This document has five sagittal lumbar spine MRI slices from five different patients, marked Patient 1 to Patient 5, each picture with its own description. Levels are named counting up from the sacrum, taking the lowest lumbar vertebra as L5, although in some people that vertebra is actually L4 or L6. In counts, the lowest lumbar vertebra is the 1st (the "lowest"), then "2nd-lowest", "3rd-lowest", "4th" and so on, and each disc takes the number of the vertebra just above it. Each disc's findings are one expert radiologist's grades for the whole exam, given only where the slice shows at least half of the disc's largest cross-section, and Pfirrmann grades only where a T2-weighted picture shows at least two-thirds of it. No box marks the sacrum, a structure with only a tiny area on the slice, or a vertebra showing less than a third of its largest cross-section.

Patient 1 of 5:
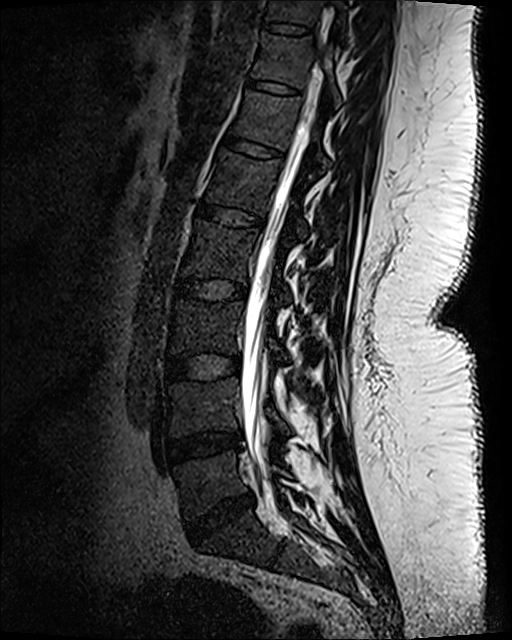

Sagittal slice index 50, Sagittal T2 SPACE (3D) lumbar spine MRI

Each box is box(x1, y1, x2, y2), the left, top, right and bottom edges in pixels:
Disc T10/T11: box(263, 22, 309, 36).
Disc L4/L5: box(166, 431, 241, 462).
L5: box(175, 452, 291, 519).
L2 vertebra: box(182, 220, 290, 301).
L4 vertebra: box(169, 379, 289, 436).
T10 vertebra: box(265, 0, 347, 33).
T11 vertebra: box(253, 34, 340, 107).
L1 vertebra: box(208, 149, 307, 236).
Disc L3/L4: box(166, 353, 240, 382).
Disc L1/L2: box(195, 201, 264, 228).
Disc T12/L1: box(223, 133, 283, 159).
Disc L5/S1: box(187, 495, 254, 539).
Spinal canal: box(241, 13, 331, 488).
L2/L3: box(175, 277, 247, 301).
T12 vertebra: box(231, 90, 330, 169).
Disc T11/T12: box(246, 78, 300, 95).
L3 vertebra: box(170, 301, 288, 360).

Degenerative findings by level:
- L1/L2: Pfirrmann grade 1
- T12/L1: Pfirrmann grade 1
- L4/L5: Pfirrmann grade 3, disc bulging, disc narrowing
- L2/L3: Pfirrmann grade 1
- L3/L4: Pfirrmann grade 1
- L5/S1: Pfirrmann grade 4, disc bulging, disc narrowing
- T10/T11: Pfirrmann grade 1
- T11/T12: Pfirrmann grade 1

Patient 2 of 5:
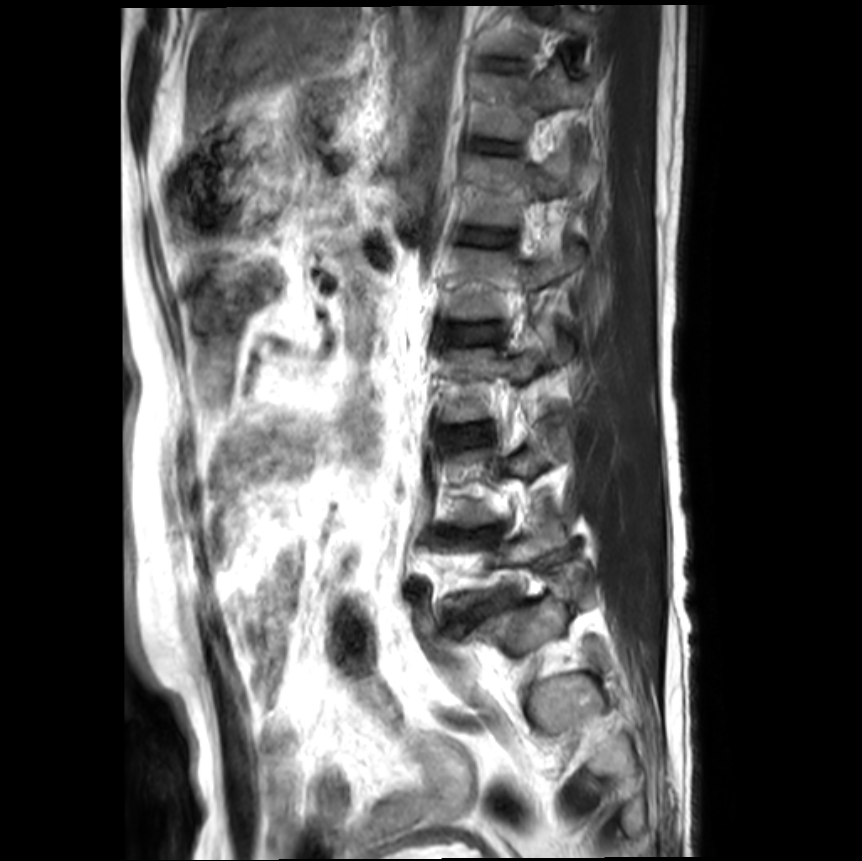 Patient sex: M. 862x861 px. T2-weighted sagittal MRI of the lumbar spine. Slice 16 of 20.

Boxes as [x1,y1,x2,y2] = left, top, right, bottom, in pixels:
Structures:
- L3 vertebra — [438,333,572,422]
- L4 vertebra — [452,420,573,526]
- L5/S1 — [448,594,511,628]
- T12/L1 — [477,141,516,152]
- IVD L2/L3 — [442,323,501,342]
- IVD L4/L5 — [443,525,501,543]
- L3/L4 — [440,423,491,446]
- L2 vertebra — [445,239,584,318]
- T11 vertebra — [492,4,587,55]
- T12 vertebra — [479,66,592,138]
- IVD T11/T12 — [492,60,521,70]
- L1 vertebra — [465,144,595,225]
- IVD L1/L2 — [460,229,513,245]

Degenerative findings by level:
  L2/L3, L1/L2: no Modic or endplate change, herniation, narrowing, bulging or spondylolisthesis recorded

Patient 3 of 5:
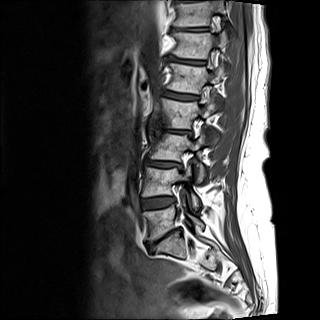 Slice 5 of 15 | 320x320 px | MRI lumbar spine (T1-weighted), sagittal plane

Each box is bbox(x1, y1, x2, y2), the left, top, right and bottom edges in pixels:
L2 vertebra at bbox(160, 95, 220, 146); L4/L5 at bbox(141, 197, 174, 209); disc L5/S1 at bbox(147, 228, 181, 249); L3 at bbox(148, 128, 207, 182); L4 at bbox(142, 165, 199, 209); T11 at bbox(173, 2, 226, 26); disc L2/L3 at bbox(150, 123, 191, 134); disc L3/L4 at bbox(145, 160, 182, 168); L5 at bbox(143, 197, 204, 241); L1 at bbox(167, 63, 228, 93); disc T11/T12 at bbox(172, 27, 209, 31); disc L1/L2 at bbox(162, 90, 198, 100); disc T12/L1 at bbox(169, 55, 205, 66); T12 vertebra at bbox(171, 0, 229, 59).

Expert MSK radiologist gradings (per disc):
- T11/T12: Modic type II, lower-endplate change, upper-endplate change, disc bulging, disc narrowing
- L4/L5: disc bulging, lower-endplate change, upper-endplate change, Modic type II
- T12/L1: Modic type III, disc bulging, lower-endplate change, disc narrowing, upper-endplate change
- L1/L2: disc bulging, Modic type II, upper-endplate change, lower-endplate change
- L5/S1: upper-endplate change, lower-endplate change, disc narrowing, Modic type II, disc bulging
- L3/L4: disc narrowing, lower-endplate change, Modic type II, disc bulging, upper-endplate change
- L2/L3: lower-endplate change, disc bulging, upper-endplate change, disc narrowing, Modic type III

Patient 4 of 5:
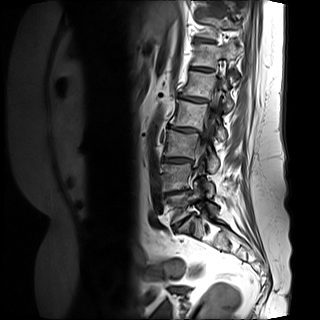 Slice 4/15, Sex F, MRI lumbar spine (T1-weighted), sagittal plane

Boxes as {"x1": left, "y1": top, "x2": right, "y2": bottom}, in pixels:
{"disc L5/S1": {"x1": 173, "y1": 213, "x2": 193, "y2": 230}, "disc L1/L2": {"x1": 179, "y1": 94, "x2": 208, "y2": 101}, "T12": {"x1": 192, "y1": 44, "x2": 238, "y2": 77}, "thecal sac / spinal canal": {"x1": 197, "y1": 83, "x2": 219, "y2": 157}, "L4": {"x1": 162, "y1": 163, "x2": 213, "y2": 194}, "L3/L4": {"x1": 163, "y1": 157, "x2": 192, "y2": 163}, "L5 vertebra": {"x1": 165, "y1": 181, "x2": 217, "y2": 222}, "L2 vertebra": {"x1": 170, "y1": 99, "x2": 226, "y2": 140}, "L1": {"x1": 183, "y1": 71, "x2": 233, "y2": 111}, "L3 vertebra": {"x1": 164, "y1": 129, "x2": 219, "y2": 171}, "L2/L3": {"x1": 169, "y1": 125, "x2": 197, "y2": 132}, "disc T12/L1": {"x1": 191, "y1": 67, "x2": 212, "y2": 71}, "T11/T12": {"x1": 195, "y1": 38, "x2": 213, "y2": 42}, "T11 vertebra": {"x1": 200, "y1": 17, "x2": 238, "y2": 38}}

Degenerative findings by level:
  L2/L3: lower-endplate change, Modic type II, disc narrowing, disc bulging, upper-endplate change
  L3/L4: disc narrowing, Modic type II, disc bulging, upper-endplate change, lower-endplate change
  L5/S1: disc bulging, upper-endplate change, Modic type II, disc narrowing, lower-endplate change
  L1/L2: upper-endplate change, lower-endplate change, disc bulging, disc narrowing, Modic type II
  T11/T12, T12/L1: no herniation, bulging, narrowing, spondylolisthesis, endplate or Modic change recorded

Patient 5 of 5:
MRI lumbar spine (T1-weighted), sagittal plane. Sex F.

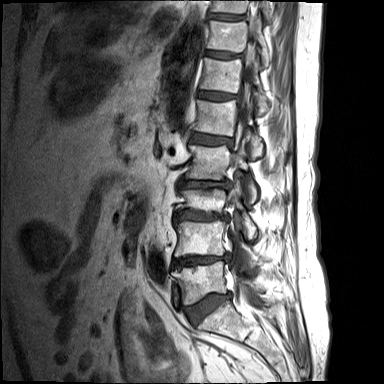

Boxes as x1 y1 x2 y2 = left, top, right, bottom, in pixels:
{"T12": "200 54 269 114", "T10/T11": "210 13 244 20", "disc L2/L3": "178 179 230 188", "disc T11/T12": "206 50 241 58", "spinal canal": "228 27 256 293", "L4": "174 220 261 269", "L3/L4": "173 210 230 220", "T12/L1": "199 90 235 99", "L4/L5": "172 252 231 268", "L5": "172 261 263 304", "disc L5/S1": "185 293 230 324", "L1 vertebra": "194 100 263 155", "L3": "175 181 256 238", "L2": "185 145 257 202", "T11": "207 20 270 66", "T10": "211 0 270 19", "L1/L2": "190 132 232 145"}

Radiological gradings:
• L4/L5: upper-endplate change, lower-endplate change, disc bulging, disc narrowing
• L2/L3: lower-endplate change, disc bulging, disc narrowing, upper-endplate change
• L5/S1: lower-endplate change, disc bulging, upper-endplate change
• L1/L2: lower-endplate change, disc bulging, upper-endplate change
• L3/L4: disc narrowing, disc bulging, upper-endplate change, lower-endplate change
• T10/T11, T11/T12, T12/L1: no spondylolisthesis, narrowing, bulging, herniation, Modic or endplate change recorded